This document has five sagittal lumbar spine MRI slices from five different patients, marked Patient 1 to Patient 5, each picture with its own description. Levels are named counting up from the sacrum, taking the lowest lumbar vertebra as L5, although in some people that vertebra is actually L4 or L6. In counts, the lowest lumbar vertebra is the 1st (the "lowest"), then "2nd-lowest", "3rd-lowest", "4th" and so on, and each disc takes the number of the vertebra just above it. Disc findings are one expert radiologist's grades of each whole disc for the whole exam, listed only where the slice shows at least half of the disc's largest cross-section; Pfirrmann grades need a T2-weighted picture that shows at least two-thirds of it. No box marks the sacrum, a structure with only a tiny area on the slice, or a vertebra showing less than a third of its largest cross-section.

Patient 1 of 5:
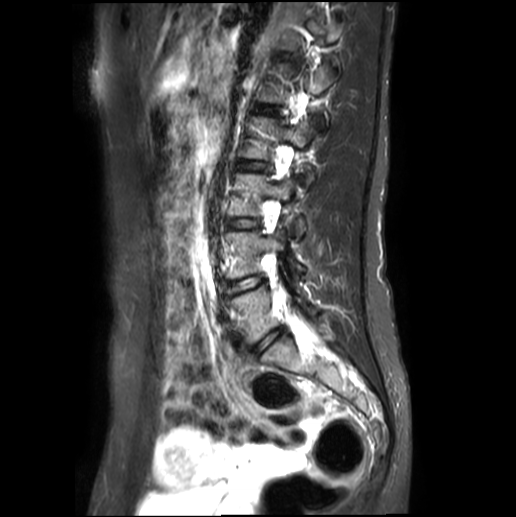 MRI lumbar spine (T2-weighted), sagittal plane. Sagittal slice index 4. Image 516x517.

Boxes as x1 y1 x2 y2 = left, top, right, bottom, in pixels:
{"lowest disc": "255 330 280 351", "3rd-lowest vertebra": "229 173 302 234", "4th disc": "239 160 266 171", "lowest vertebra": "232 287 315 340", "4th vertebra": "243 117 318 184", "2nd-lowest disc": "228 277 259 292", "2nd-lowest vertebra": "227 231 303 278", "3rd-lowest disc": "227 218 254 229"}

Per-level radiological findings:
- 4th disc, 3rd-lowest disc, 2nd-lowest disc: no herniation, bulging, narrowing, spondylolisthesis, endplate or Modic change recorded

Patient 2 of 5:
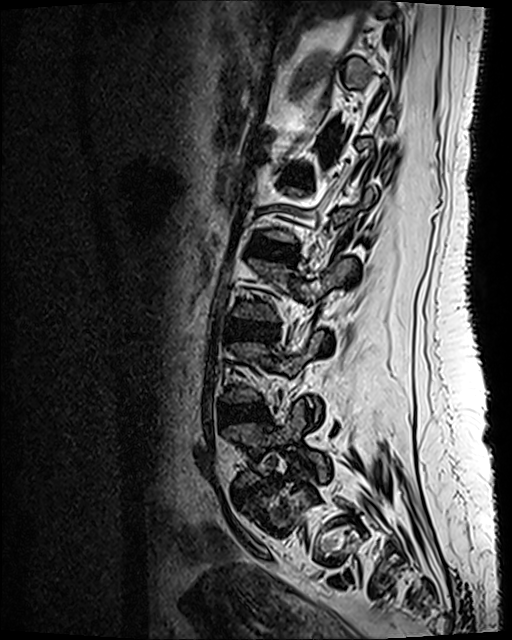

512x640 px. Field of view 240x300 mm. Lumbar spine MR, T2 SPACE (3D), sagittal. Patient sex: F.
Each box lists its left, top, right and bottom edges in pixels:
2nd-lowest disc: left=221, top=405, right=266, bottom=423
lowest disc: left=239, top=480, right=272, bottom=497
lowest vertebra: left=225, top=402, right=328, bottom=485
3rd-lowest disc: left=226, top=319, right=278, bottom=343
5th disc: left=284, top=170, right=306, bottom=183
4th disc: left=246, top=238, right=296, bottom=263

Degenerative findings by level:
• 4th disc: disc bulging

Patient 3 of 5:
Scanner: SIEMENS Avanto_fit (1.5T). Slice 8 of 17. Patient sex: F. Lumbar spine MR, T1-weighted, sagittal. 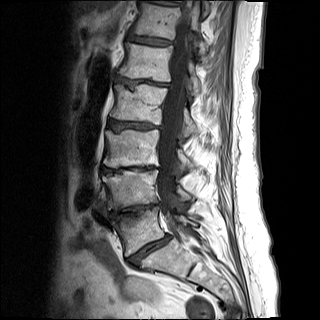
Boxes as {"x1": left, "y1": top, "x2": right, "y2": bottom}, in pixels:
Segmented structures:
• L2 vertebra = {"x1": 110, "y1": 84, "x2": 197, "y2": 135}
• IVD L5/S1 = {"x1": 127, "y1": 235, "x2": 170, "y2": 265}
• T12/L1 = {"x1": 127, "y1": 34, "x2": 171, "y2": 45}
• L2/L3 = {"x1": 108, "y1": 120, "x2": 160, "y2": 130}
• L4 = {"x1": 102, "y1": 170, "x2": 190, "y2": 209}
• L3 vertebra = {"x1": 103, "y1": 130, "x2": 194, "y2": 169}
• L5 vertebra = {"x1": 116, "y1": 207, "x2": 197, "y2": 256}
• spinal canal = {"x1": 158, "y1": 24, "x2": 188, "y2": 229}
• L4/L5 = {"x1": 113, "y1": 204, "x2": 159, "y2": 218}
• T12 = {"x1": 132, "y1": 3, "x2": 207, "y2": 54}
• L1 vertebra = {"x1": 118, "y1": 42, "x2": 201, "y2": 94}
• L1/L2 = {"x1": 115, "y1": 76, "x2": 168, "y2": 87}
• IVD L3/L4 = {"x1": 102, "y1": 166, "x2": 155, "y2": 172}

Expert MSK radiologist gradings (per disc):
  L1/L2: Modic type II, disc bulging, disc narrowing, upper-endplate change, lower-endplate change
  T12/L1: upper-endplate change, Modic type II, lower-endplate change, disc bulging
  L3/L4: Modic type II, disc bulging, lower-endplate change, upper-endplate change, disc narrowing
  L2/L3: disc narrowing, upper-endplate change, disc bulging, lower-endplate change, Modic type II
  L4/L5: disc bulging, lower-endplate change, upper-endplate change, Modic type II, disc narrowing
  L5/S1: disc bulging, disc narrowing, upper-endplate change, lower-endplate change, Modic type II, spondylolisthesis

Patient 4 of 5:
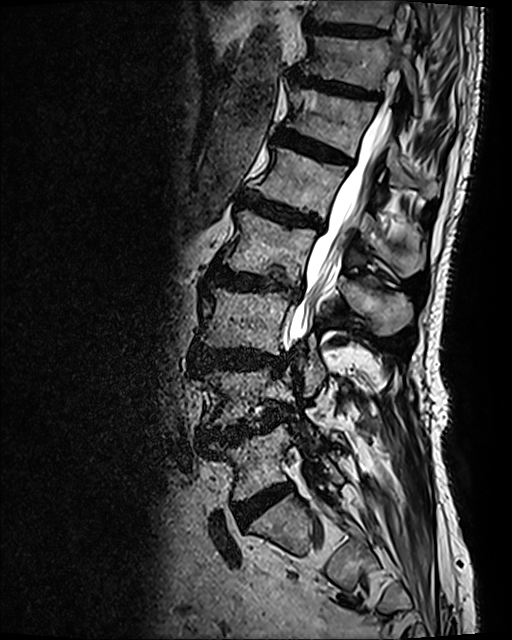 MRI lumbar spine (T2 SPACE (3D)), sagittal plane, Image 512x640, Sagittal slice index 76
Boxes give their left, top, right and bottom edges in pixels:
3rd-lowest vertebra: left=198, top=287, right=325, bottom=396
lowest vertebra: left=210, top=424, right=343, bottom=499
spinal canal: left=289, top=3, right=406, bottom=344
2nd-lowest vertebra: left=198, top=369, right=314, bottom=433
5th disc: left=240, top=192, right=319, bottom=229
6th disc: left=276, top=127, right=350, bottom=163
6th vertebra: left=288, top=87, right=439, bottom=196
7th vertebra: left=304, top=36, right=418, bottom=111
lowest disc: left=234, top=483, right=292, bottom=525
8th disc: left=304, top=22, right=385, bottom=39
4th disc: left=210, top=266, right=302, bottom=297
5th vertebra: left=254, top=146, right=424, bottom=275
7th disc: left=291, top=68, right=379, bottom=98
3rd-lowest disc: left=191, top=345, right=281, bottom=369
8th vertebra: left=309, top=0, right=432, bottom=35
4th vertebra: left=221, top=209, right=412, bottom=334
2nd-lowest disc: left=199, top=425, right=268, bottom=441

Per-level radiological findings:
  6th disc: Pfirrmann grade 4, disc bulging, Modic type II, upper-endplate change, lower-endplate change
  3rd-lowest disc: Pfirrmann grade 4, lower-endplate change, disc bulging, upper-endplate change
  5th disc: Pfirrmann grade 4, upper-endplate change, Modic type II, lower-endplate change, disc bulging
  4th disc: Pfirrmann grade 4, upper-endplate change, lower-endplate change, disc narrowing, Modic type I, disc bulging
  7th disc: Pfirrmann grade 4, upper-endplate change, disc bulging, lower-endplate change
  8th disc: Pfirrmann grade 3
  lowest disc: no Modic or endplate change, herniation, narrowing, bulging or spondylolisthesis recorded

Patient 5 of 5:
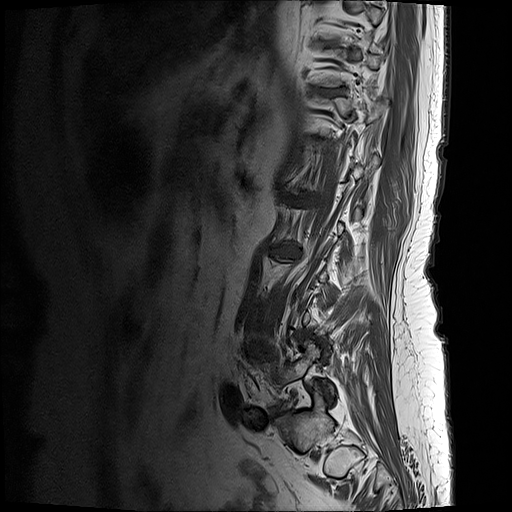
Image 512x512 | Sagittal slice index 2 | Sagittal T1-weighted lumbar spine MRI

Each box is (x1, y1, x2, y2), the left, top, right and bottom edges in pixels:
{"intervertebral disc L2/L3": "(274, 247, 297, 256)", "intervertebral disc T11/T12": "(326, 91, 339, 94)", "L5": "(262, 340, 334, 406)", "L1/L2": "(289, 196, 318, 205)"}